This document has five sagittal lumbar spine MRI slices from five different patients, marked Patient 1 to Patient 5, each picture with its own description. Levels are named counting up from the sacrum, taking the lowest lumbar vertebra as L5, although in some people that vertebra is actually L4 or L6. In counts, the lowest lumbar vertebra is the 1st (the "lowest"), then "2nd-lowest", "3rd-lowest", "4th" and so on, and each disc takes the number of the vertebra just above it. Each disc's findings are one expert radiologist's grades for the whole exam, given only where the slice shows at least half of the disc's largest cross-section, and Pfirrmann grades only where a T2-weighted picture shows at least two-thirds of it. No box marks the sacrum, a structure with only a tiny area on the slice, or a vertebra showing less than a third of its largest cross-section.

Patient 1 of 5:
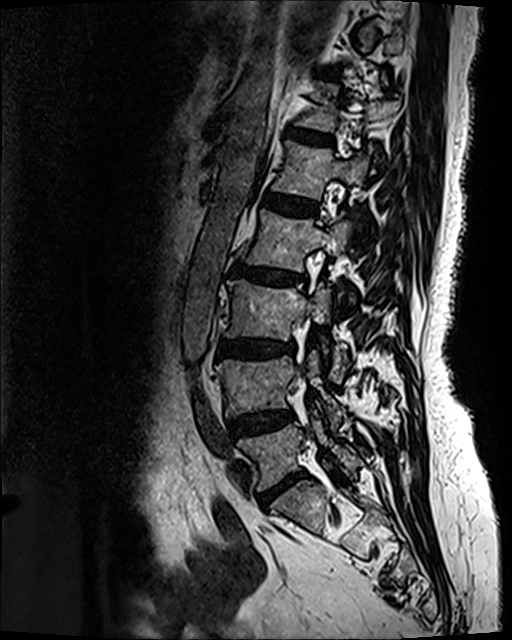 T2 SPACE (3D) sagittal MRI of the lumbar spine, Image 512x640
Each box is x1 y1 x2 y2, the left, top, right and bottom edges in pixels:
{"T12/L1": "290 129 330 142", "disc L2/L3": "231 264 304 284", "L5": "238 418 360 490", "disc L4/L5": "230 411 292 438", "L3 vertebra": "226 280 345 378", "disc L5/S1": "261 473 303 506", "disc L3/L4": "219 339 294 355", "L1 vertebra": "272 140 374 199", "L4": "216 351 343 427", "L1/L2": "265 193 316 215", "L2 vertebra": "245 210 351 301"}

Radiological gradings:
- L2/L3: Pfirrmann grade 4, disc narrowing, Modic type II, disc bulging, lower-endplate change, upper-endplate change
- L3/L4: Pfirrmann grade 4, disc bulging, lower-endplate change, upper-endplate change, disc narrowing, Modic type II
- L4/L5: Pfirrmann grade 3, disc bulging
- L1/L2: Pfirrmann grade 2

Patient 2 of 5:
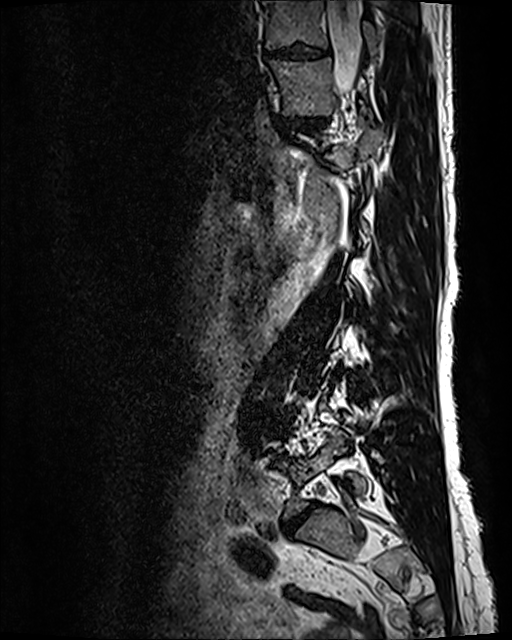 Sex F | T2 SPACE (3D) sagittal MRI of the lumbar spine | Slice 95/120
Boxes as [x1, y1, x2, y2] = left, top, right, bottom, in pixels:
Thecal sac / spinal canal: [328, 1, 361, 93].
Lowest vertebra: [280, 431, 366, 517].
8th disc: [264, 45, 328, 60].
8th vertebra: [263, 1, 377, 54].
7th disc: [284, 116, 329, 129].
7th vertebra: [270, 59, 366, 115].
Lowest disc: [285, 505, 314, 532].

Expert MSK radiologist gradings (per disc):
  8th disc: Pfirrmann grade 3, disc narrowing, disc bulging

Patient 3 of 5:
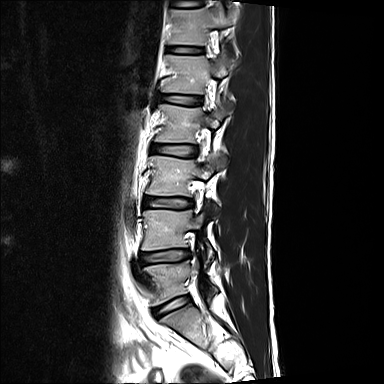

MRI lumbar spine (T2-weighted), sagittal plane | 384x384 px | Slice 11/15
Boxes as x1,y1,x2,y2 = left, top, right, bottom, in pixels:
L1 at 163,51,233,93.
L5 vertebra at 145,261,218,305.
IVD T12/L1 at 166,46,204,53.
L1/L2 at 160,95,202,104.
L3/L4 at 144,197,193,208.
L2 at 155,101,230,142.
L4 vertebra at 141,210,213,260.
T11 vertebra at 178,0,199,6.
IVD L2/L3 at 151,145,197,157.
IVD L5/S1 at 153,296,189,316.
L3 vertebra at 146,153,225,215.
T12 at 168,5,235,45.
IVD L4/L5 at 141,250,190,263.

Expert MSK radiologist gradings (per disc):
- T12/L1: Pfirrmann grade 2, upper-endplate change, lower-endplate change
- L5/S1: upper-endplate change
- L2/L3: Pfirrmann grade 2, lower-endplate change
- L1/L2: Pfirrmann grade 2
- L3/L4: Pfirrmann grade 2, lower-endplate change, disc narrowing, upper-endplate change
- L4/L5: Pfirrmann grade 2, upper-endplate change, disc bulging, lower-endplate change

Patient 4 of 5:
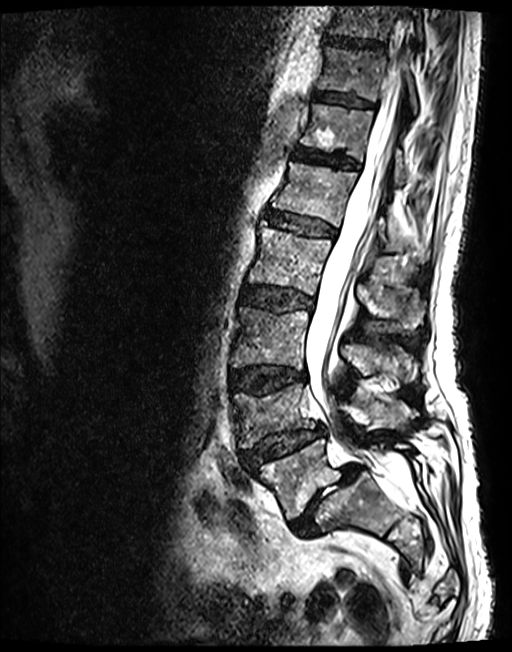

512x652 px. Slice 70 of 143. Patient sex: M. T2 SPACE (3D) sagittal MRI of the lumbar spine.

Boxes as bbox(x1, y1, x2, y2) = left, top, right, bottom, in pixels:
6th vertebra: bbox(301, 103, 405, 184)
lowest vertebra: bbox(254, 439, 411, 519)
4th disc: bbox(242, 286, 311, 311)
7th vertebra: bbox(319, 47, 416, 114)
3rd-lowest disc: bbox(230, 365, 304, 393)
5th disc: bbox(266, 212, 334, 236)
lowest disc: bbox(291, 464, 359, 536)
thecal sac / spinal canal: bbox(305, 71, 408, 486)
2nd-lowest vertebra: bbox(230, 385, 413, 447)
3rd-lowest vertebra: bbox(231, 306, 415, 389)
8th vertebra: bbox(328, 6, 422, 41)
7th disc: bbox(314, 92, 372, 107)
4th vertebra: bbox(248, 224, 424, 329)
2nd-lowest disc: bbox(241, 427, 325, 468)
6th disc: bbox(292, 147, 359, 168)
5th vertebra: bbox(272, 161, 401, 252)
8th disc: bbox(325, 35, 384, 48)

Degenerative findings by level:
• 2nd-lowest disc: Pfirrmann grade 3, upper-endplate change, disc narrowing, spondylolisthesis, lower-endplate change, disc herniation
• 6th disc: Pfirrmann grade 3
• 4th disc: Pfirrmann grade 3, disc bulging
• 8th disc: Pfirrmann grade 3
• 5th disc: Pfirrmann grade 3
• 3rd-lowest disc: Pfirrmann grade 3, upper-endplate change, lower-endplate change, disc bulging
• 7th disc: Pfirrmann grade 3
• lowest disc: Pfirrmann grade 5, Modic type II, disc herniation, disc narrowing, spondylolisthesis

Patient 5 of 5:
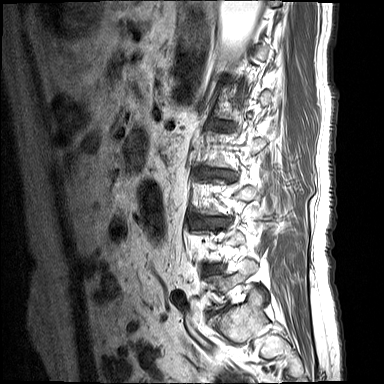 Sagittal slice index 13, 384x384 px, T1-weighted sagittal MRI of the lumbar spine, Patient sex: M
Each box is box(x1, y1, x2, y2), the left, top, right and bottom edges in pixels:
* IVD L2/L3 (4th disc): box(205, 169, 233, 178)
* L4/L5 (2nd-lowest disc): box(207, 265, 220, 272)

Per-level radiological findings:
- L2/L3 (4th disc): disc herniation, disc narrowing, Modic type II, lower-endplate change